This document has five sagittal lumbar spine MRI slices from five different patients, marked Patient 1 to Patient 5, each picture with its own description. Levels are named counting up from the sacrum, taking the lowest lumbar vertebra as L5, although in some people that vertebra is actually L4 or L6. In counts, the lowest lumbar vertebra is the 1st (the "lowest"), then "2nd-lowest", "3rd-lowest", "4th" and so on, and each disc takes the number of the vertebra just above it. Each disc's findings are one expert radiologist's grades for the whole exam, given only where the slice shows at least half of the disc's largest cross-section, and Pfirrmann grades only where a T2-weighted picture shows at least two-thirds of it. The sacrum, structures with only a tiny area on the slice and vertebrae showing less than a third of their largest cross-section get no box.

Patient 1 of 5:
Sagittal slice index 19 | Sagittal T2-weighted lumbar spine MRI | Field of view 280x285 mm

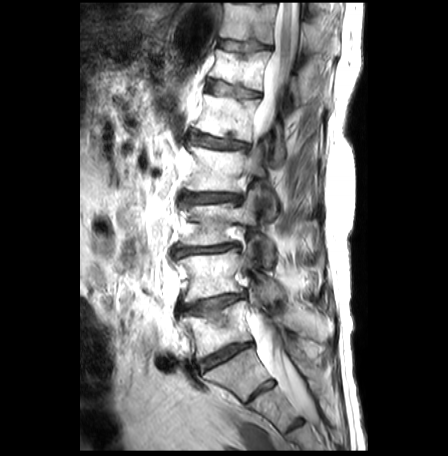
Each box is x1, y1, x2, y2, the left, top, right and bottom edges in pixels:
L5 vertebra: 183, 301, 326, 360
L1/L2: 190, 132, 249, 149
intervertebral disc L5/S1: 198, 343, 251, 371
T12: 209, 49, 330, 105
thecal sac / spinal canal: 250, 3, 306, 406
L4 vertebra: 176, 242, 285, 303
T11 vertebra: 220, 3, 340, 55
intervertebral disc T11/T12: 217, 39, 270, 58
L1 vertebra: 196, 94, 284, 165
intervertebral disc L2/L3: 184, 193, 241, 203
L3 vertebra: 178, 191, 273, 266
L4/L5: 178, 293, 246, 322
intervertebral disc L3/L4: 174, 244, 236, 256
L2 vertebra: 187, 143, 276, 220
T12/L1: 206, 80, 259, 97

Expert MSK radiologist gradings (per disc):
• T12/L1: Pfirrmann grade 3, lower-endplate change, Modic type II, disc bulging, upper-endplate change
• L5/S1: Pfirrmann grade 5, disc narrowing, disc bulging, Modic type II
• L1/L2: Pfirrmann grade 3, upper-endplate change, Modic type II, lower-endplate change, disc bulging
• L4/L5: Pfirrmann grade 2, disc bulging, Modic type II, upper-endplate change, lower-endplate change
• T11/T12: Pfirrmann grade 1, upper-endplate change, Modic type II, lower-endplate change

Patient 2 of 5:
Image 512x640. Slice 80 of 120. Field of view 240x300 mm, slice spacing 0.9 mm. MRI lumbar spine (T2 SPACE (3D)), sagittal plane.
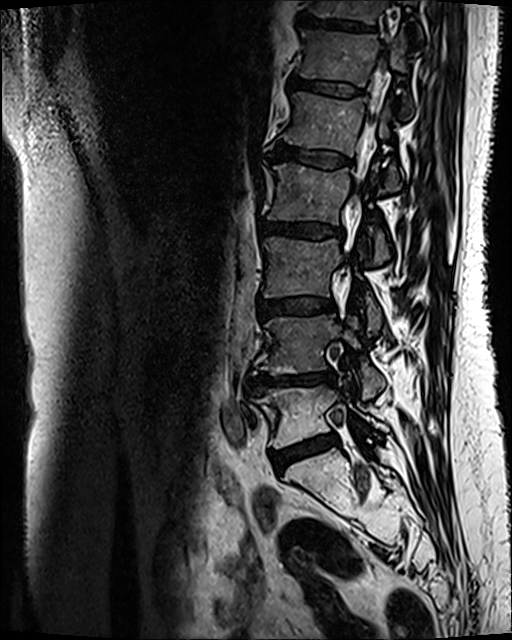
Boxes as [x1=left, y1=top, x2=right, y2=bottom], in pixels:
T11 at [x1=310, y1=0, x2=421, y2=34] | L2 at [x1=268, y1=164, x2=390, y2=262] | L4 vertebra at [x1=253, y1=315, x2=384, y2=399] | spinal canal at [x1=341, y1=110, x2=378, y2=269] | intervertebral disc L5/S1 at [x1=272, y1=435, x2=337, y2=472] | L1 at [x1=283, y1=92, x2=400, y2=190] | L1/L2 at [x1=269, y1=141, x2=350, y2=167] | L5 at [x1=255, y1=386, x2=386, y2=448] | intervertebral disc L2/L3 at [x1=261, y1=222, x2=343, y2=238] | L4/L5 at [x1=246, y1=370, x2=335, y2=392] | L3 vertebra at [x1=263, y1=236, x2=380, y2=330] | intervertebral disc T11/T12 at [x1=300, y1=14, x2=372, y2=31] | T12 vertebra at [x1=299, y1=31, x2=410, y2=111] | T12/L1 at [x1=289, y1=78, x2=362, y2=95] | L3/L4 at [x1=258, y1=298, x2=334, y2=316]

Degenerative findings by level:
  L3/L4: Pfirrmann grade 3, disc bulging, Modic type II
  T12/L1: Pfirrmann grade 3, Modic type II
  L1/L2: Pfirrmann grade 3, Modic type II
  L4/L5: Modic type II, upper-endplate change, disc narrowing, disc bulging, lower-endplate change
  L2/L3: Pfirrmann grade 3, Modic type II, disc bulging
  L5/S1: Modic type II, disc bulging
  T11/T12: Pfirrmann grade 4, Modic type II, upper-endplate change, lower-endplate change

Patient 3 of 5:
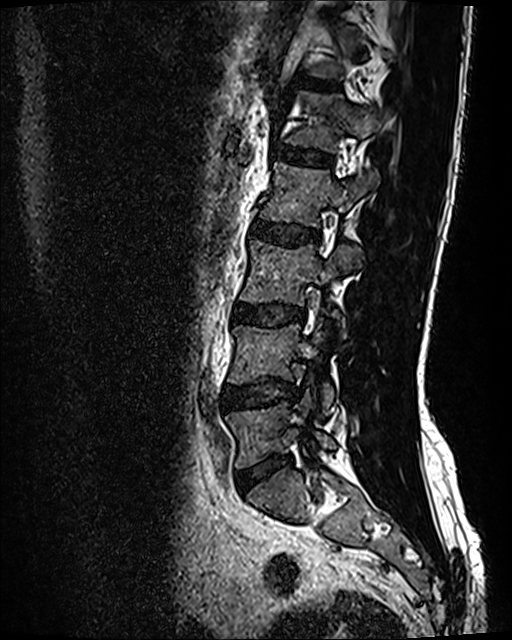 Sagittal slice index 39 | Patient sex: M | T2 SPACE (3D) sagittal MRI of the lumbar spine
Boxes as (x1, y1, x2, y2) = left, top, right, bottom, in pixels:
- L5/S1 (lowest disc): (239, 455, 290, 492)
- L3 (3rd-lowest vertebra): (240, 240, 362, 337)
- intervertebral disc L4/L5 (2nd-lowest disc): (224, 379, 297, 410)
- L1/L2 (5th disc): (273, 146, 331, 165)
- intervertebral disc L2/L3 (4th disc): (253, 221, 318, 245)
- L4 (2nd-lowest vertebra): (228, 323, 333, 413)
- L2 (4th vertebra): (259, 162, 379, 227)
- intervertebral disc T12/L1 (6th disc): (307, 80, 337, 89)
- L1 (5th vertebra): (286, 91, 378, 152)
- L5 (lowest vertebra): (226, 390, 335, 468)
- L3/L4 (3rd-lowest disc): (233, 304, 305, 326)

Radiological gradings:
  L3/L4 (3rd-lowest disc): Pfirrmann grade 2, disc bulging
  L2/L3 (4th disc): Pfirrmann grade 2
  L4/L5 (2nd-lowest disc): Pfirrmann grade 2, disc bulging
  L1/L2 (5th disc): Pfirrmann grade 2

Patient 4 of 5:
Patient sex: F. T2-weighted sagittal MRI of the lumbar spine. Slice 15/20.

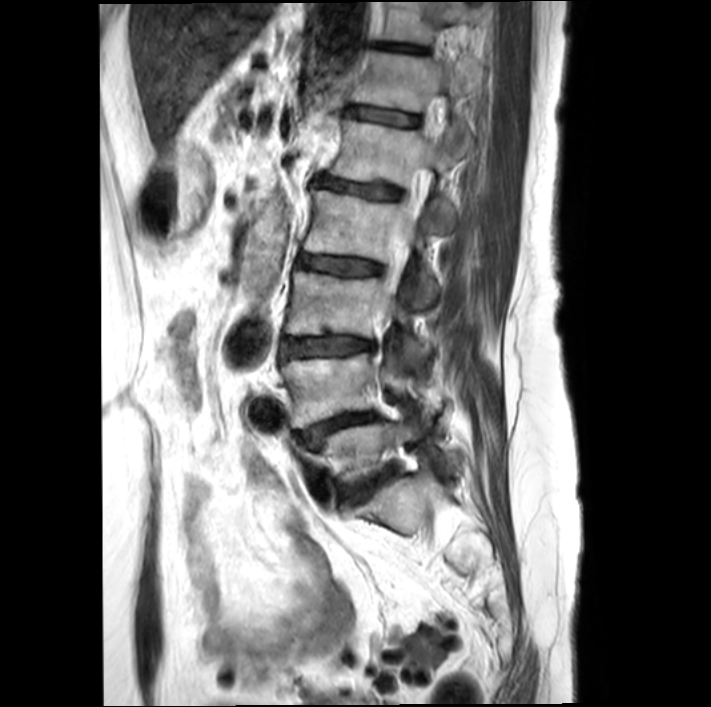
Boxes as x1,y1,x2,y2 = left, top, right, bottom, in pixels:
{"L4/L5": "300,413,375,442", "L4": "281,353,432,427", "intervertebral disc L2/L3": "298,254,380,276", "L1/L2": "316,177,400,198", "T12 vertebra": "352,51,469,140", "intervertebral disc L3/L4": "281,336,373,358", "L5": "313,419,420,488", "L5/S1": "348,472,392,501", "T12/L1": "346,106,419,125", "L1": "329,119,462,226", "T11/T12": "377,42,425,53", "L3": "285,271,425,361", "spinal canal": "378,200,420,315", "T11": "376,2,477,44", "L2 vertebra": "304,190,437,304"}

Per-level radiological findings:
- L3/L4: Pfirrmann grade 3, disc bulging, upper-endplate change, lower-endplate change, Modic type II
- L1/L2: Pfirrmann grade 3, Modic type II, lower-endplate change
- T12/L1: Pfirrmann grade 3, lower-endplate change, upper-endplate change, Modic type II
- T11/T12: upper-endplate change, lower-endplate change, disc bulging
- L2/L3: Pfirrmann grade 3, Modic type II, upper-endplate change
- L4/L5: Pfirrmann grade 4, lower-endplate change, Modic type II, disc bulging, disc narrowing, spondylolisthesis

Patient 5 of 5:
Field of view 280x280 mm, slice spacing 4.4 mm | Scanner: SIEMENS Skyra_fit (3T) | 768x768 px | Patient sex: F | T2-weighted sagittal MRI of the lumbar spine
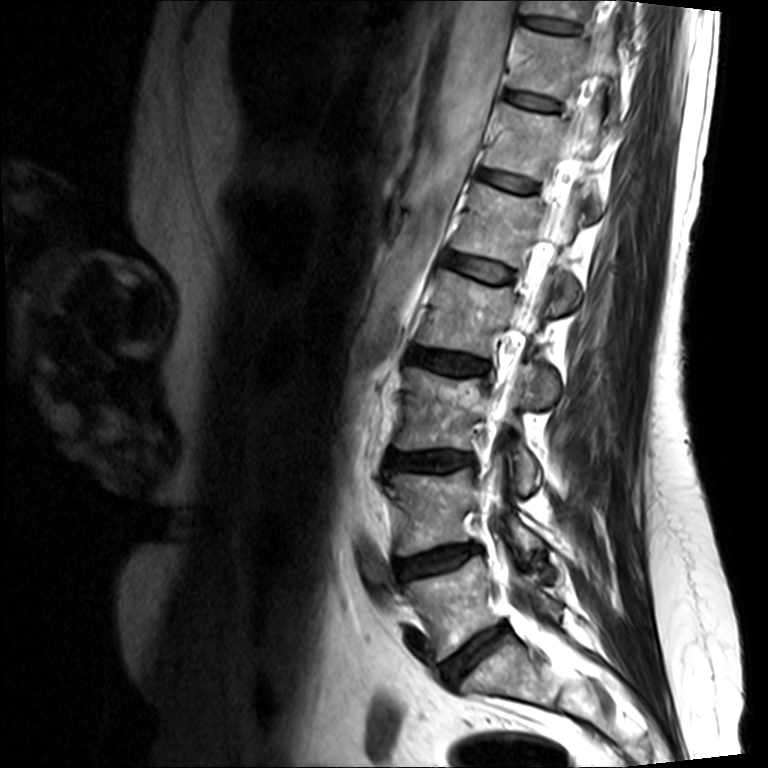
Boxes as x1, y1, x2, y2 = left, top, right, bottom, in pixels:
Annotations:
- L3/L4 (3rd-lowest disc): 390, 450, 475, 471
- IVD T12/L1 (6th disc): 482, 168, 537, 192
- L4/L5 (2nd-lowest disc): 395, 543, 482, 581
- thecal sac / spinal canal: 481, 48, 607, 584
- L1 (5th vertebra): 454, 182, 579, 301
- IVD T10/T11 (8th disc): 523, 14, 579, 34
- L5 (lowest vertebra): 403, 556, 561, 660
- L2/L3 (4th disc): 411, 348, 488, 374
- T12 (6th vertebra): 485, 103, 604, 209
- L5/S1 (lowest disc): 437, 623, 508, 685
- T10 (8th vertebra): 523, 0, 633, 20
- T11 (7th vertebra): 509, 28, 620, 101
- IVD L1/L2 (5th disc): 446, 253, 513, 281
- L3 (3rd-lowest vertebra): 397, 364, 541, 492
- L4 (2nd-lowest vertebra): 391, 468, 541, 555
- IVD T11/T12 (7th disc): 507, 89, 561, 112
- L2 (4th vertebra): 420, 269, 569, 403

Per-level radiological findings:
• T10/T11 (8th disc): Pfirrmann grade 2
• T11/T12 (7th disc): Pfirrmann grade 2
• L3/L4 (3rd-lowest disc): Pfirrmann grade 3, disc bulging, lower-endplate change, disc narrowing, upper-endplate change
• L5/S1 (lowest disc): Pfirrmann grade 3, disc bulging, disc narrowing
• T12/L1 (6th disc): Pfirrmann grade 2
• L4/L5 (2nd-lowest disc): Pfirrmann grade 3, disc herniation, Modic type II, disc narrowing, disc bulging
• L2/L3 (4th disc): Pfirrmann grade 3, disc bulging
• L1/L2 (5th disc): Pfirrmann grade 2